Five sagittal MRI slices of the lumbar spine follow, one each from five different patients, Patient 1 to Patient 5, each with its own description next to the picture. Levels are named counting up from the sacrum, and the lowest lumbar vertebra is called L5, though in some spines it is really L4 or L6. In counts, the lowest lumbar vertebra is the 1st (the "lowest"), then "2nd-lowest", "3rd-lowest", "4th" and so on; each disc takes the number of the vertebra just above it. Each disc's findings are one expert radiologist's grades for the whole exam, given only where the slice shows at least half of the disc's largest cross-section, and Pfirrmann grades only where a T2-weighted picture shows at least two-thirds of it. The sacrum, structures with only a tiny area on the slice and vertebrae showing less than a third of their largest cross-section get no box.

Patient 1 of 5:
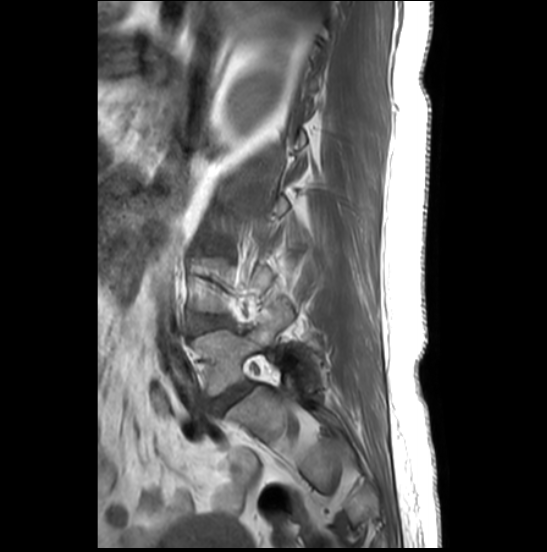

Image 547x552; T1-weighted sagittal MRI of the lumbar spine

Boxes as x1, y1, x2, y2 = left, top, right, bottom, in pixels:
{"L5 vertebra": "192, 296, 310, 395", "intervertebral disc L4/L5": "189, 316, 230, 333", "L5/S1": "210, 382, 252, 413"}

Expert MSK radiologist gradings (per disc):
- L5/S1: disc bulging

Patient 2 of 5:
T1-weighted sagittal MRI of the lumbar spine; Scanner: SIEMENS Aera (1.5T)

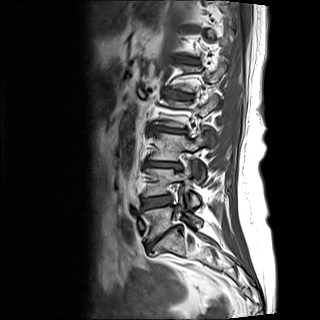 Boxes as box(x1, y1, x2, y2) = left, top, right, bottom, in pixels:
- 5th vertebra = box(172, 61, 226, 92)
- 2nd-lowest vertebra = box(143, 161, 199, 206)
- 5th disc = box(165, 88, 193, 100)
- 4th vertebra = box(153, 95, 218, 146)
- 4th disc = box(149, 125, 185, 133)
- lowest disc = box(147, 227, 181, 248)
- lowest vertebra = box(145, 196, 202, 241)
- 6th disc = box(178, 55, 200, 65)
- 2nd-lowest disc = box(142, 196, 171, 209)
- 3rd-lowest disc = box(145, 160, 182, 170)
- 3rd-lowest vertebra = box(149, 132, 206, 181)

Degenerative findings by level:
• 2nd-lowest disc: lower-endplate change, upper-endplate change, Modic type II, disc bulging
• 4th disc: upper-endplate change, lower-endplate change, disc bulging, disc narrowing, Modic type III
• 6th disc: lower-endplate change, disc bulging, disc narrowing, upper-endplate change, Modic type III
• 5th disc: Modic type II, disc bulging, lower-endplate change, upper-endplate change
• 3rd-lowest disc: upper-endplate change, Modic type II, lower-endplate change, disc narrowing, disc bulging

Patient 3 of 5:
658x664 px. Slice 13 of 20. MRI lumbar spine (T2-weighted), sagittal plane.

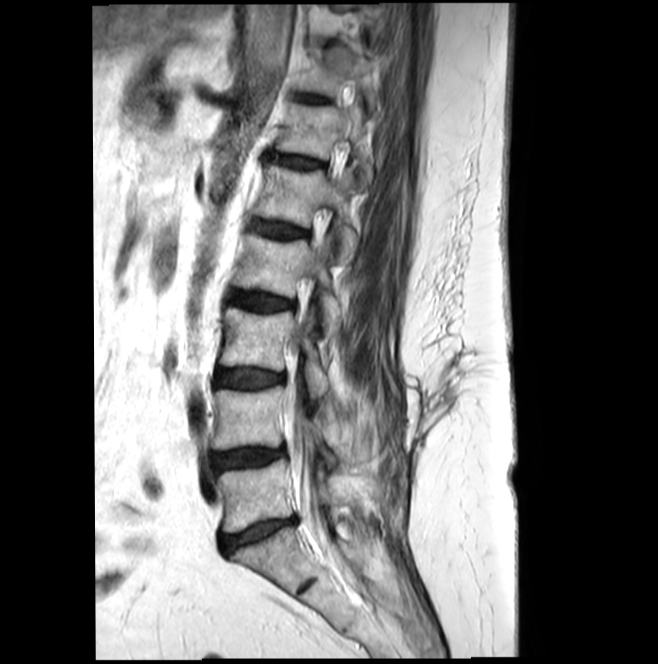 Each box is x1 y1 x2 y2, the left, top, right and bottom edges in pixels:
Segmented structures:
- L3 vertebra: 220 308 328 396
- L5/S1: 220 517 296 552
- IVD L2/L3: 229 290 292 310
- L4 vertebra: 213 386 332 460
- IVD L4/L5: 211 447 283 470
- IVD T12/L1: 269 152 324 168
- L3/L4: 216 369 285 388
- T11 vertebra: 297 46 373 96
- L5 vertebra: 217 459 382 531
- L2: 233 233 341 336
- T12 vertebra: 275 103 372 180
- T11/T12: 298 95 328 103
- L1: 255 165 359 262
- L1/L2: 251 220 308 238
- spinal canal: 285 394 328 552

Radiological gradings:
- L5/S1: Pfirrmann grade 3, disc narrowing, disc bulging, Modic type II
- L2/L3: Pfirrmann grade 3
- L4/L5: Pfirrmann grade 3, disc narrowing
- T12/L1: disc bulging
- L1/L2: Pfirrmann grade 3
- L3/L4: Pfirrmann grade 3, Modic type II

Patient 4 of 5:
Sex F. T2-weighted sagittal MRI of the lumbar spine.
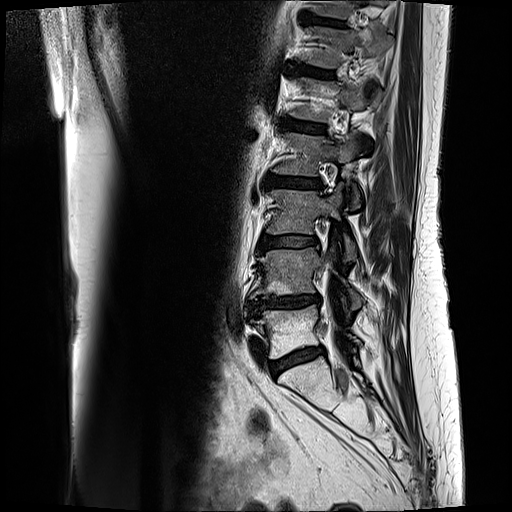

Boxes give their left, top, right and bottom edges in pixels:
Segmented structures:
- L4 vertebra: left=251, top=248, right=362, bottom=309
- L2/L3: left=266, top=174, right=323, bottom=189
- T12 vertebra: left=305, top=23, right=391, bottom=67
- disc T11/T12: left=302, top=14, right=346, bottom=26
- disc L1/L2: left=281, top=119, right=326, bottom=133
- L3/L4: left=259, top=236, right=318, bottom=249
- L3 vertebra: left=267, top=185, right=356, bottom=260
- L5/S1: left=270, top=347, right=325, bottom=377
- L2 vertebra: left=272, top=133, right=360, bottom=209
- thecal sac / spinal canal: left=322, top=262, right=329, bottom=275
- L5 vertebra: left=253, top=305, right=358, bottom=358
- T12/L1: left=291, top=63, right=333, bottom=77
- L1: left=289, top=76, right=366, bottom=121
- disc L4/L5: left=247, top=294, right=320, bottom=317

Radiological gradings:
• T11/T12: lower-endplate change, upper-endplate change, Modic type II
• T12/L1: Pfirrmann grade 3, Modic type II
• L1/L2: Modic type II
• L5/S1: Pfirrmann grade 3, disc bulging, Modic type II
• L3/L4: Pfirrmann grade 3, disc bulging, Modic type II
• L4/L5: Pfirrmann grade 4, lower-endplate change, disc narrowing, Modic type II, disc bulging, upper-endplate change
• L2/L3: Pfirrmann grade 3, Modic type II, disc bulging

Patient 5 of 5:
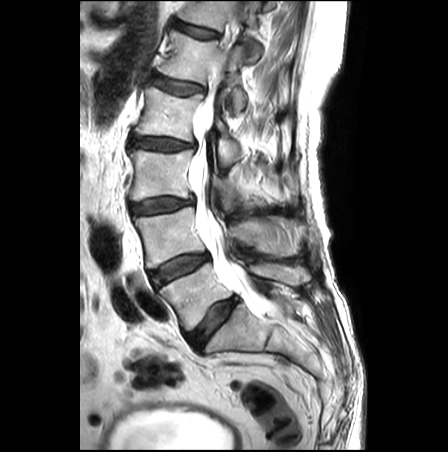 Sex M. Sagittal T2-weighted lumbar spine MRI. Slice 16 of 27.

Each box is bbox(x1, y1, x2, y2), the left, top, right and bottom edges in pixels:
Thecal sac / spinal canal at bbox(191, 47, 269, 315); 6th disc at bbox(173, 20, 219, 38); 3rd-lowest vertebra at bbox(128, 150, 242, 200); lowest vertebra at bbox(160, 262, 309, 330); lowest disc at bbox(187, 296, 237, 349); 4th vertebra at bbox(134, 86, 241, 166); 5th disc at bbox(151, 74, 203, 95); 4th disc at bbox(127, 133, 192, 151); 5th vertebra at bbox(158, 30, 247, 111); 3rd-lowest disc at bbox(130, 197, 192, 214); 6th vertebra at bbox(178, 1, 262, 62); 2nd-lowest vertebra at bbox(134, 207, 304, 267); 2nd-lowest disc at bbox(150, 253, 208, 286).

Per-level radiological findings:
  5th disc: Pfirrmann grade 2, upper-endplate change, lower-endplate change, Modic type II, disc bulging
  2nd-lowest disc: Pfirrmann grade 3, disc bulging
  lowest disc: Pfirrmann grade 3, disc bulging
  3rd-lowest disc: Pfirrmann grade 3, disc bulging, disc narrowing
  6th disc: Pfirrmann grade 1
  4th disc: Pfirrmann grade 3, disc bulging